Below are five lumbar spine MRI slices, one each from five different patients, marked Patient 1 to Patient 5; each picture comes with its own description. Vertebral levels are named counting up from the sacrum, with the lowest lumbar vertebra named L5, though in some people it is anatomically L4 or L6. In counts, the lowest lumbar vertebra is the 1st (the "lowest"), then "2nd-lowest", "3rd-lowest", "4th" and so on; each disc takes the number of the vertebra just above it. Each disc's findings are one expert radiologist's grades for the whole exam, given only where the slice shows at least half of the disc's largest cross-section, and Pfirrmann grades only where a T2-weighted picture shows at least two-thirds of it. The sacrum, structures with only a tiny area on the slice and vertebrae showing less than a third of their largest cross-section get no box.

Patient 1 of 5:
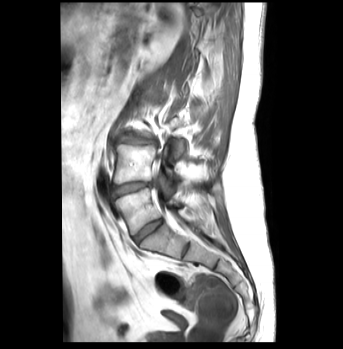 Sex F | Lumbar spine MR, T1-weighted, sagittal | 343x349 px | Slice 27 of 43

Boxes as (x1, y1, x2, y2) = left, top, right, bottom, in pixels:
2nd-lowest vertebra — (114, 144, 176, 184) | 3rd-lowest disc — (120, 133, 156, 144) | lowest disc — (133, 218, 162, 241) | lowest vertebra — (115, 188, 180, 234) | spinal canal — (153, 171, 162, 205) | 2nd-lowest disc — (112, 181, 149, 197)

Degenerative findings by level:
- 2nd-lowest disc: lower-endplate change, Modic type II, disc narrowing, disc bulging
- 3rd-lowest disc: disc bulging, Modic type II
- lowest disc: no spondylolisthesis, narrowing, bulging, herniation, Modic or endplate change recorded

Patient 2 of 5:
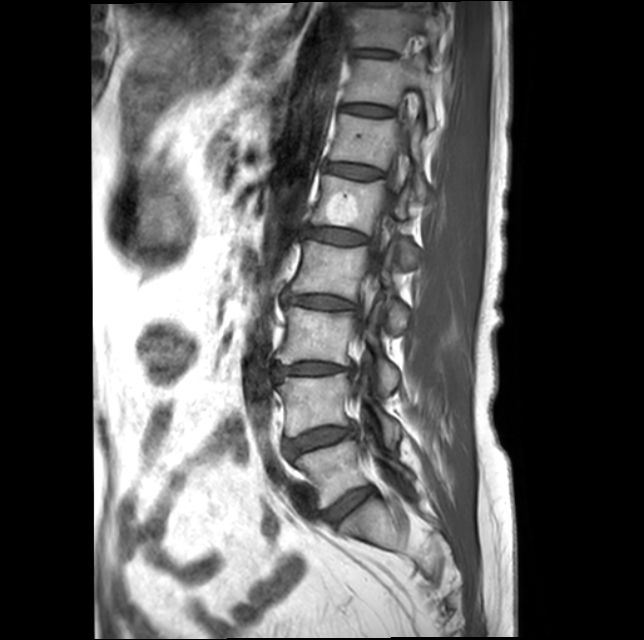 Lumbar spine MR, T1-weighted, sagittal
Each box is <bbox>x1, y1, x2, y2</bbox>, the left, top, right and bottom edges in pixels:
2nd-lowest disc = <bbox>284, 426, 354, 456</bbox>.
3rd-lowest disc = <bbox>274, 364, 350, 376</bbox>.
7th vertebra = <bbox>345, 55, 436, 128</bbox>.
4th vertebra = <bbox>292, 241, 407, 334</bbox>.
4th disc = <bbox>286, 295, 354, 309</bbox>.
3rd-lowest vertebra = <bbox>276, 307, 399, 394</bbox>.
5th disc = <bbox>306, 228, 367, 244</bbox>.
6th disc = <bbox>323, 163, 382, 180</bbox>.
7th disc = <bbox>343, 104, 394, 116</bbox>.
2nd-lowest vertebra = <bbox>277, 374, 400, 446</bbox>.
8th disc = <bbox>353, 50, 394, 57</bbox>.
8th vertebra = <bbox>353, 2, 443, 60</bbox>.
Lowest vertebra = <bbox>294, 436, 412, 508</bbox>.
6th vertebra = <bbox>330, 114, 426, 199</bbox>.
Lowest disc = <bbox>323, 487, 372, 523</bbox>.
5th vertebra = <bbox>312, 175, 420, 267</bbox>.
Spinal canal = <bbox>355, 188, 396, 393</bbox>.

Expert MSK radiologist gradings (per disc):
  2nd-lowest disc: lower-endplate change, disc bulging, upper-endplate change, Modic type II
  5th disc: Modic type II
  4th disc: Modic type II, disc narrowing, lower-endplate change, disc bulging, upper-endplate change
  3rd-lowest disc: upper-endplate change, disc narrowing, lower-endplate change, Modic type II, disc bulging
  6th disc, 7th disc, lowest disc, 8th disc: no herniation, bulging, narrowing, spondylolisthesis, endplate or Modic change recorded

Patient 3 of 5:
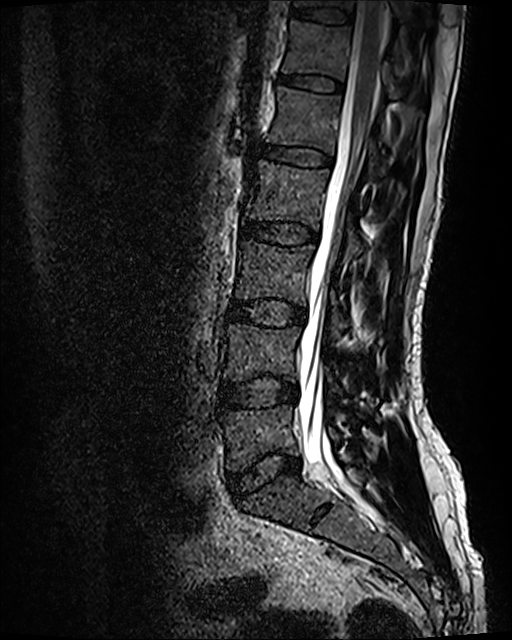 Sex M; Sagittal slice index 62; MRI lumbar spine (T2 SPACE (3D)), sagittal plane
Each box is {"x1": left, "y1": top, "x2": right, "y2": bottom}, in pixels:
Annotations:
* 3rd-lowest disc = {"x1": 227, "y1": 300, "x2": 305, "y2": 327}
* 4th disc = {"x1": 243, "y1": 221, "x2": 317, "y2": 244}
* 2nd-lowest disc = {"x1": 221, "y1": 376, "x2": 297, "y2": 410}
* 6th vertebra = {"x1": 282, "y1": 20, "x2": 401, "y2": 99}
* 3rd-lowest vertebra = {"x1": 235, "y1": 239, "x2": 347, "y2": 336}
* 5th disc = {"x1": 261, "y1": 143, "x2": 331, "y2": 166}
* 6th disc = {"x1": 278, "y1": 74, "x2": 342, "y2": 92}
* 4th vertebra = {"x1": 245, "y1": 160, "x2": 363, "y2": 261}
* lowest disc = {"x1": 229, "y1": 451, "x2": 299, "y2": 499}
* 2nd-lowest vertebra = {"x1": 224, "y1": 324, "x2": 341, "y2": 395}
* lowest vertebra = {"x1": 220, "y1": 404, "x2": 339, "y2": 471}
* 7th disc = {"x1": 290, "y1": 7, "x2": 353, "y2": 24}
* 7th vertebra = {"x1": 313, "y1": 0, "x2": 429, "y2": 25}
* 5th vertebra = {"x1": 267, "y1": 86, "x2": 384, "y2": 177}
* spinal canal = {"x1": 298, "y1": 1, "x2": 384, "y2": 486}

Per-level radiological findings:
- 5th disc: Pfirrmann grade 2
- 3rd-lowest disc: Pfirrmann grade 2, disc bulging
- 4th disc: Pfirrmann grade 2
- 6th disc: Pfirrmann grade 2
- lowest disc: Pfirrmann grade 2, disc bulging
- 7th disc: Pfirrmann grade 2
- 2nd-lowest disc: Pfirrmann grade 2, disc bulging

Patient 4 of 5:
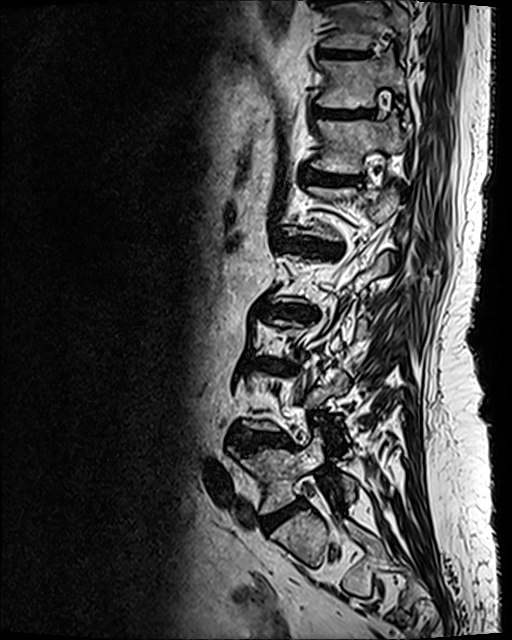

Sagittal slice index 35; 512x640 px; Sagittal T2 SPACE (3D) lumbar spine MRI
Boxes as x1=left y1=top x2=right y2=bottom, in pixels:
• 3rd-lowest disc — x1=260 y1=361 x2=286 y2=368
• 8th disc — x1=318 y1=49 x2=364 y2=58
• 6th disc — x1=304 y1=172 x2=361 y2=184
• 8th vertebra — x1=321 y1=0 x2=409 y2=51
• 5th disc — x1=281 y1=238 x2=342 y2=256
• 7th disc — x1=315 y1=111 x2=373 y2=118
• 2nd-lowest disc — x1=231 y1=430 x2=291 y2=452
• 4th disc — x1=258 y1=299 x2=317 y2=320
• lowest vertebra — x1=237 y1=430 x2=354 y2=511
• 6th vertebra — x1=312 y1=112 x2=405 y2=173
• lowest disc — x1=262 y1=503 x2=300 y2=531
• 7th vertebra — x1=317 y1=56 x2=406 y2=108

Radiological gradings:
• 5th disc: Pfirrmann grade 5, lower-endplate change, upper-endplate change, Modic type II, disc bulging, disc narrowing
• 8th disc: Pfirrmann grade 4, upper-endplate change, lower-endplate change
• 7th disc: Pfirrmann grade 4, lower-endplate change, upper-endplate change
• 4th disc: Pfirrmann grade 5, lower-endplate change, upper-endplate change, disc narrowing, Modic type II, disc bulging
• 2nd-lowest disc: lower-endplate change, upper-endplate change, disc bulging
• 6th disc: Pfirrmann grade 4, upper-endplate change, Modic type II, lower-endplate change

Patient 5 of 5:
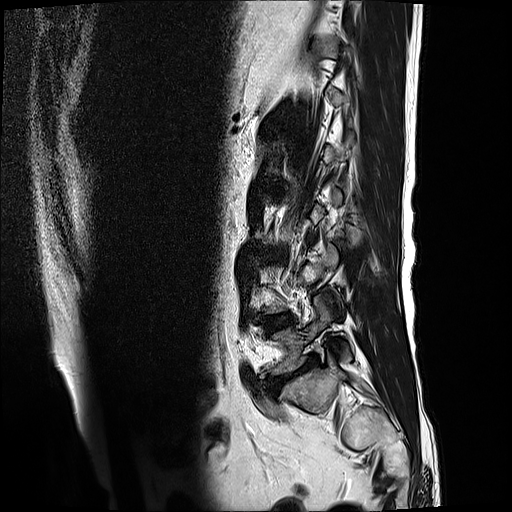

T2-weighted sagittal MRI of the lumbar spine. Slice 1/17.
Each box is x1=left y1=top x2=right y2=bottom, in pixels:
• IVD L3/L4 (3rd-lowest disc): x1=266 y1=249 x2=276 y2=257
• IVD L5/S1 (lowest disc): x1=275 y1=355 x2=317 y2=380
• L5 (lowest vertebra): x1=271 y1=294 x2=351 y2=373
• IVD L4/L5 (2nd-lowest disc): x1=263 y1=314 x2=292 y2=330